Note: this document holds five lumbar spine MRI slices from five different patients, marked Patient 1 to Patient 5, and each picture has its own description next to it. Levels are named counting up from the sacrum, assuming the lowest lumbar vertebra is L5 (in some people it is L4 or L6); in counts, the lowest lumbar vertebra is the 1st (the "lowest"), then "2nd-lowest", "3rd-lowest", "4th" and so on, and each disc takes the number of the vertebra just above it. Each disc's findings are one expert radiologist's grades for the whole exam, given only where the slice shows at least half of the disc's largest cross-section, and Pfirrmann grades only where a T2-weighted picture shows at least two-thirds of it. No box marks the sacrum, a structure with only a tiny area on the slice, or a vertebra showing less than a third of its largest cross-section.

Patient 1 of 5:
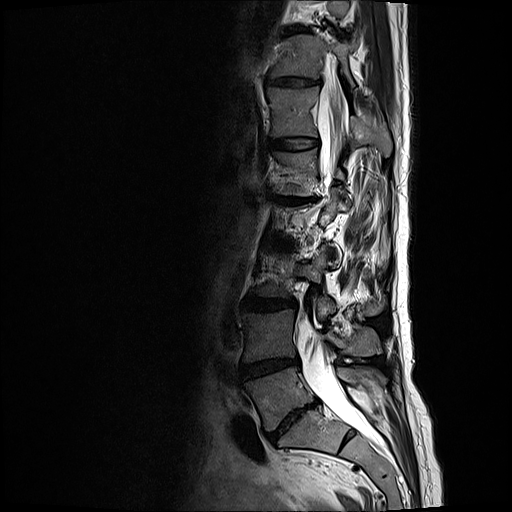 Slice 16/25 | Lumbar spine MR, T2-weighted, sagittal | Sex F
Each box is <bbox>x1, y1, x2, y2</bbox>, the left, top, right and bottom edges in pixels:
3rd-lowest vertebra at <bbox>256, 249, 379, 320</bbox> | 7th disc at <bbox>265, 75, 321, 89</bbox> | 3rd-lowest disc at <bbox>243, 296, 294, 310</bbox> | 2nd-lowest disc at <bbox>240, 359, 298, 379</bbox> | 7th vertebra at <bbox>272, 34, 355, 86</bbox> | 5th disc at <bbox>273, 195, 316, 203</bbox> | lowest disc at <bbox>268, 403, 316, 442</bbox> | thecal sac / spinal canal at <bbox>298, 54, 378, 445</bbox> | 2nd-lowest vertebra at <bbox>244, 310, 379, 362</bbox> | 6th disc at <bbox>270, 137, 317, 151</bbox> | 6th vertebra at <bbox>266, 87, 392, 155</bbox> | lowest vertebra at <bbox>245, 367, 387, 431</bbox>

Radiological gradings:
  6th disc: Pfirrmann grade 2
  lowest disc: Pfirrmann grade 5, upper-endplate change, Modic type II, disc bulging, lower-endplate change, disc narrowing
  3rd-lowest disc: disc bulging
  7th disc: Pfirrmann grade 3, disc narrowing, disc bulging
  5th disc: disc bulging, Modic type II, disc narrowing, lower-endplate change, upper-endplate change
  2nd-lowest disc: Pfirrmann grade 4, Modic type II, disc bulging, disc narrowing

Patient 2 of 5:
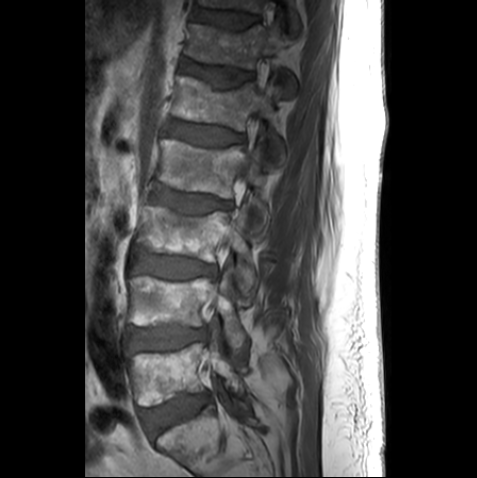 T1-weighted sagittal MRI of the lumbar spine; Sagittal slice index 8; 477x478 px
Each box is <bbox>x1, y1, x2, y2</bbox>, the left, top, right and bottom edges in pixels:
L2 at <bbox>157, 139, 267, 224</bbox>, T12 at <bbox>186, 21, 296, 96</bbox>, T12/L1 at <bbox>183, 62, 252, 86</bbox>, intervertebral disc L1/L2 at <bbox>166, 121, 243, 145</bbox>, thecal sac / spinal canal at <bbox>238, 111, 254, 180</bbox>, L1 vertebra at <bbox>172, 75, 284, 159</bbox>, T11 vertebra at <bbox>200, 0, 300, 31</bbox>, intervertebral disc L5/S1 at <bbox>140, 392, 208, 435</bbox>, T11/T12 at <bbox>196, 8, 258, 28</bbox>, L2/L3 at <bbox>152, 187, 231, 213</bbox>, L4 at <bbox>129, 276, 245, 354</bbox>, L3 vertebra at <bbox>136, 204, 255, 306</bbox>, L5 vertebra at <bbox>128, 343, 249, 405</bbox>, intervertebral disc L4/L5 at <bbox>128, 326, 208, 352</bbox>, L3/L4 at <bbox>133, 255, 216, 278</bbox>.

Radiological gradings:
  L4/L5: lower-endplate change
  T12/L1: upper-endplate change
  L2/L3: upper-endplate change
  L3/L4, T11/T12, L5/S1, L1/L2: no herniation, bulging, narrowing, spondylolisthesis, endplate or Modic change recorded

Patient 3 of 5:
Field of view 280x282 mm; Sagittal T2-weighted lumbar spine MRI; Image 448x451
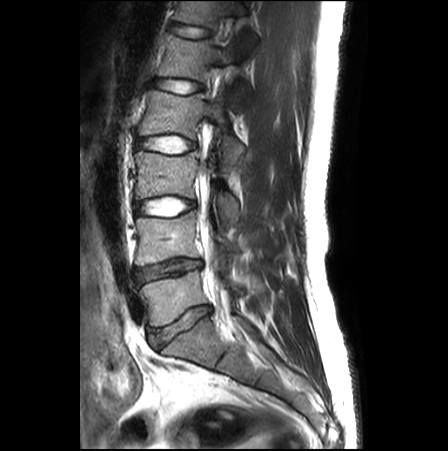
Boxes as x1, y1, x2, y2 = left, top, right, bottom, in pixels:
L1/L2 at 156, 79, 202, 92; intervertebral disc L2/L3 at 138, 135, 195, 153; T12 vertebra at 174, 1, 257, 45; spinal canal at 201, 213, 218, 282; L1 vertebra at 158, 35, 250, 106; L5 vertebra at 140, 271, 243, 326; intervertebral disc L4/L5 at 136, 259, 201, 282; intervertebral disc L3/L4 at 136, 197, 195, 217; L2 vertebra at 139, 89, 244, 167; intervertebral disc L5/S1 at 151, 306, 211, 347; L4 at 135, 212, 239, 265; L3 vertebra at 135, 151, 238, 226; intervertebral disc T12/L1 at 174, 24, 210, 37.

Expert MSK radiologist gradings (per disc):
• L3/L4: Pfirrmann grade 1
• L2/L3: Pfirrmann grade 1
• L4/L5: Pfirrmann grade 3, disc narrowing, disc bulging
• T12/L1: lower-endplate change
• L1/L2: Pfirrmann grade 1
• L5/S1: Pfirrmann grade 3, disc narrowing, disc bulging

Patient 4 of 5:
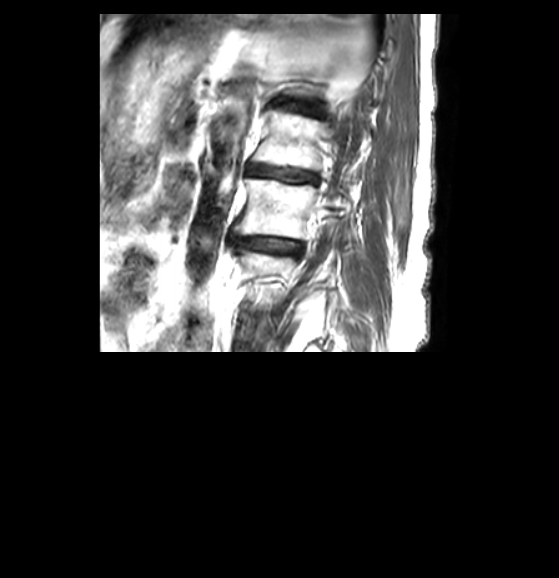 Field of view 280x289 mm, slice spacing 3.3 mm; Sex F; 559x578 px; Slice 35/50; Sagittal T2-weighted lumbar spine MRI

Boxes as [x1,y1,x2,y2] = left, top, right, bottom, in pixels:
{"L1 (5th vertebra)": "[252,110,334,170]", "L1/L2 (5th disc)": "[246,164,315,181]", "T12/L1 (6th disc)": "[272,98,320,114]", "intervertebral disc L2/L3 (4th disc)": "[232,236,302,256]", "L2 (4th vertebra)": "[235,177,349,238]"}

Degenerative findings by level:
- L1/L2 (5th disc): Pfirrmann grade 4, disc narrowing
- L2/L3 (4th disc): Pfirrmann grade 4, disc bulging, disc narrowing
- T12/L1 (6th disc): disc narrowing, lower-endplate change

Patient 5 of 5:
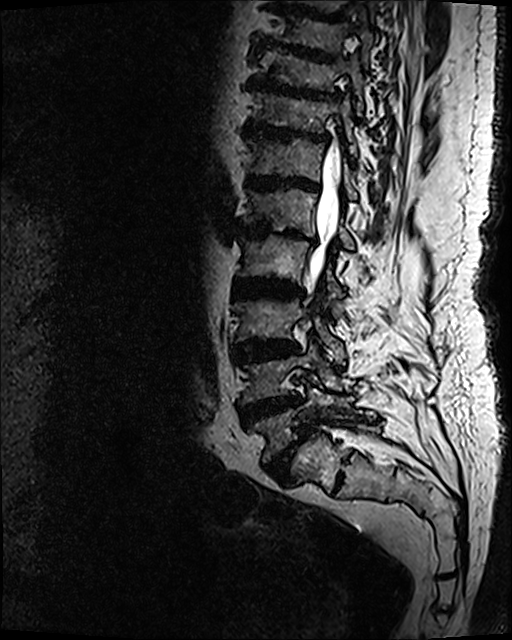

Slice spacing 0.9 mm; MRI lumbar spine (T2 SPACE (3D)), sagittal plane; Patient sex: M

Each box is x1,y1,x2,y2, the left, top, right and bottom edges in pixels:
{"L3/L4": "233,339,299,362", "T10": "257,46,364,115", "T12": "249,137,358,199", "L4 vertebra": "240,339,343,403", "T11 vertebra": "252,91,357,157", "disc L4/L5": "236,396,303,426", "spinal canal": "310,146,342,283", "L3 vertebra": "233,295,344,364", "L1/L2": "232,225,318,245", "T9/T10": "265,45,333,62", "L1 vertebra": "241,188,355,250", "L2": "237,236,347,298", "T11/T12": "244,121,329,141", "L2/L3": "234,279,302,297", "disc T12/L1": "246,174,320,192", "disc L5/S1": "264,424,312,480", "T10/T11": "246,76,337,101", "L5 vertebra": "250,380,362,463"}

Expert MSK radiologist gradings (per disc):
  L3/L4: Pfirrmann grade 5, Modic type II, disc bulging, lower-endplate change, upper-endplate change, disc narrowing
  T10/T11: Pfirrmann grade 5, disc narrowing, Modic type II, disc bulging, upper-endplate change, lower-endplate change
  T12/L1: Pfirrmann grade 5, lower-endplate change, Modic type II, upper-endplate change, disc bulging, disc narrowing
  T9/T10: lower-endplate change, Modic type II, disc narrowing, disc bulging, upper-endplate change
  T11/T12: Pfirrmann grade 5, lower-endplate change, disc bulging, Modic type II, upper-endplate change, disc narrowing
  L4/L5: lower-endplate change, disc bulging, Modic type II, disc narrowing, upper-endplate change
  L1/L2: lower-endplate change, upper-endplate change, Modic type II, disc bulging, disc narrowing
  L5/S1: Pfirrmann grade 5, spondylolisthesis, disc narrowing, upper-endplate change, lower-endplate change, disc bulging, Modic type II
  L2/L3: Pfirrmann grade 5, upper-endplate change, disc bulging, Modic type II, lower-endplate change, disc narrowing